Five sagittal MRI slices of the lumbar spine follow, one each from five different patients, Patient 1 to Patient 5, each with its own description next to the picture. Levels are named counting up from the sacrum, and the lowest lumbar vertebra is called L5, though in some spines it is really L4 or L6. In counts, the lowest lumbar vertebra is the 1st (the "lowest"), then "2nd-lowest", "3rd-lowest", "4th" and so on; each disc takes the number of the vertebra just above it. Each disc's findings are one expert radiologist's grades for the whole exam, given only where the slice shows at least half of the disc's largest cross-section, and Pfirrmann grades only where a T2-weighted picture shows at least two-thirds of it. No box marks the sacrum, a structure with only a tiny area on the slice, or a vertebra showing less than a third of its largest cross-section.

Patient 1 of 5:
Sex M | MRI lumbar spine (T2 SPACE (3D)), sagittal plane 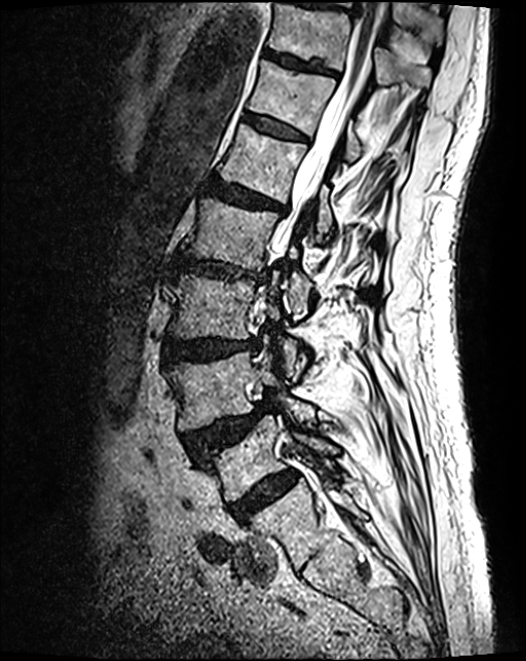 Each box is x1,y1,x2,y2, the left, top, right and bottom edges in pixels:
Intervertebral disc L1/L2 at 205,179,284,214; L1 at 218,125,335,236; intervertebral disc T12/L1 at 244,114,307,141; T11 at 268,3,430,93; L2 vertebra at 182,197,311,311; intervertebral disc T11/T12 at 264,51,337,75; L5 vertebra at 202,417,338,501; L3 at 169,276,304,379; spinal canal at 278,0,381,248; intervertebral disc L2/L3 at 172,253,268,284; L4 at 170,354,317,429; intervertebral disc L5/S1 at 229,472,297,523; intervertebral disc L3/L4 at 165,340,257,365; intervertebral disc L4/L5 at 184,405,268,455; T12 at 248,61,404,163.

Per-level radiological findings:
• L1/L2: Pfirrmann grade 4, disc bulging, upper-endplate change, lower-endplate change
• L5/S1: Pfirrmann grade 4
• T11/T12: Pfirrmann grade 3, lower-endplate change
• L3/L4: Pfirrmann grade 4, disc bulging
• L2/L3: Pfirrmann grade 4, disc narrowing, lower-endplate change, upper-endplate change, disc bulging
• T12/L1: Pfirrmann grade 3
• L4/L5: Pfirrmann grade 4, spondylolisthesis, disc herniation, upper-endplate change

Patient 2 of 5:
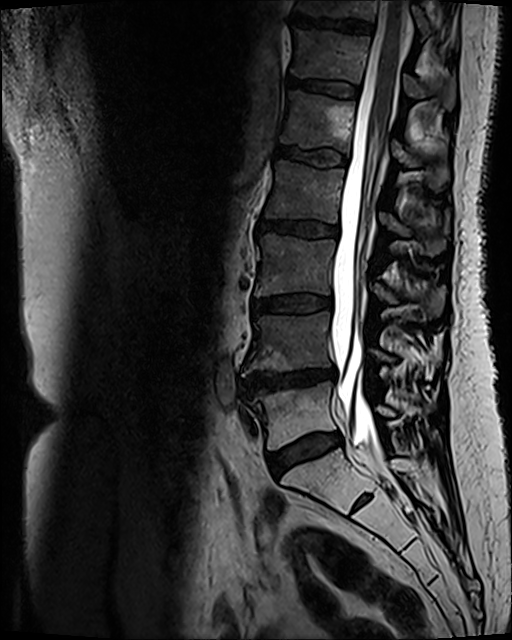 Field of view 240x300 mm; MRI lumbar spine (T2 SPACE (3D)), sagittal plane

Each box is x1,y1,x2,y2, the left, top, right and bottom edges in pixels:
L5/S1 = 269,433,341,476.
L2/L3 = 257,221,337,236.
L1/L2 = 274,146,346,167.
IVD T12/L1 = 288,79,359,97.
T11 = 296,0,431,36.
L3 = 255,235,445,320.
IVD L3/L4 = 253,296,331,313.
IVD L4/L5 = 240,369,335,394.
L4 vertebra = 242,312,390,375.
T12 = 292,29,455,109.
T11/T12 = 292,14,372,32.
L5 vertebra = 248,382,430,449.
L2 vertebra = 266,160,448,254.
Spinal canal = 331,1,408,447.
L1 vertebra = 281,91,448,190.

Degenerative findings by level:
• T12/L1: Pfirrmann grade 3, Modic type II
• L1/L2: Pfirrmann grade 3, Modic type II
• L2/L3: Pfirrmann grade 3, Modic type II, disc bulging
• L5/S1: Pfirrmann grade 3, Modic type II, disc bulging
• L4/L5: Pfirrmann grade 4, disc narrowing, upper-endplate change, disc bulging, lower-endplate change, Modic type II
• L3/L4: Pfirrmann grade 3, disc bulging, Modic type II
• T11/T12: Pfirrmann grade 4, lower-endplate change, upper-endplate change, Modic type II

Patient 3 of 5:
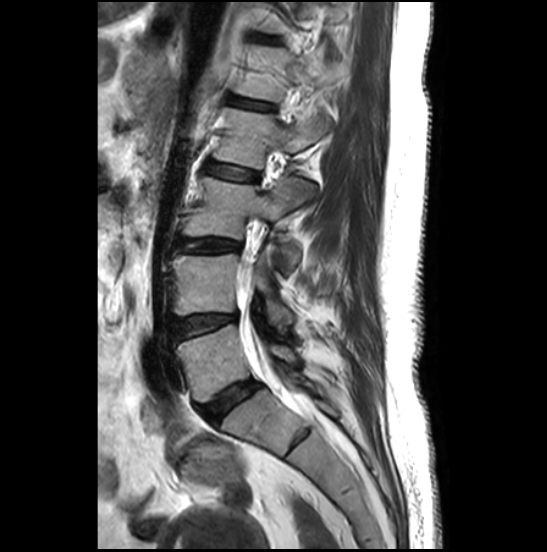 Sagittal slice index 10. T2-weighted sagittal MRI of the lumbar spine. 547x552 px.
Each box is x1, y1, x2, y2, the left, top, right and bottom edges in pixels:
2nd-lowest disc: 172, 314, 235, 338
lowest disc: 199, 380, 259, 422
lowest vertebra: 175, 323, 300, 402
5th vertebra: 238, 48, 336, 100
2nd-lowest vertebra: 171, 246, 292, 332
5th disc: 230, 98, 273, 110
4th disc: 205, 162, 257, 180
4th vertebra: 214, 108, 329, 168
3rd-lowest disc: 181, 239, 238, 251
thecal sac / spinal canal: 238, 263, 313, 409
3rd-lowest vertebra: 183, 177, 317, 274

Per-level radiological findings:
• 2nd-lowest disc: Pfirrmann grade 3, disc bulging
• 3rd-lowest disc: Pfirrmann grade 4, disc bulging
• lowest disc: Pfirrmann grade 4, disc bulging
• 4th disc: Pfirrmann grade 2
• 5th disc: upper-endplate change

Patient 4 of 5:
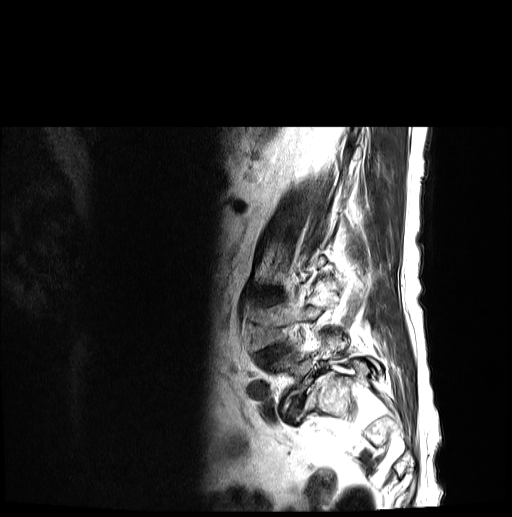

Field of view 300x303 mm, slice spacing 3.3 mm | Slice 21 of 24 | MRI lumbar spine (T2-weighted), sagittal plane | 512x517 px
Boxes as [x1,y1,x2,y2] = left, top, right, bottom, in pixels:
Annotations:
• 2nd-lowest disc — [256,345,291,365]
• lowest vertebra — [271,336,381,408]
• 2nd-lowest vertebra — [252,295,336,352]
• lowest disc — [287,391,308,424]

Patient 5 of 5:
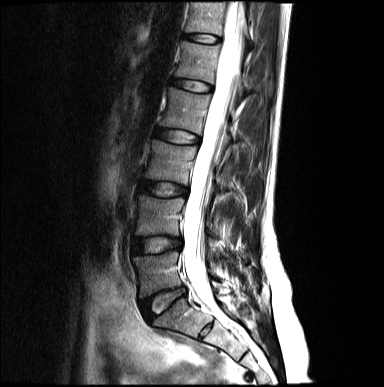 Sagittal slice index 8; 384x387 px; Lumbar spine MR, T2-weighted, sagittal

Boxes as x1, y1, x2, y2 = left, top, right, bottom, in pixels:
T12 at 185, 1, 252, 44; intervertebral disc L5/S1 at 141, 287, 185, 320; L5 vertebra at 134, 252, 216, 297; L4/L5 at 134, 236, 181, 253; L2 at 160, 87, 231, 134; intervertebral disc L3/L4 at 140, 181, 187, 197; intervertebral disc L2/L3 at 154, 127, 199, 144; L3 vertebra at 145, 140, 227, 188; T12/L1 at 183, 34, 220, 43; L1 vertebra at 175, 41, 244, 95; L1/L2 at 171, 79, 211, 91; L4 at 136, 195, 237, 241; thecal sac / spinal canal at 183, 1, 243, 319.

Expert MSK radiologist gradings (per disc):
• T12/L1: Pfirrmann grade 2
• L3/L4: Pfirrmann grade 2, disc bulging
• L2/L3: Pfirrmann grade 2
• L5/S1: Pfirrmann grade 2, disc narrowing, disc bulging
• L1/L2: Pfirrmann grade 2
• L4/L5: Pfirrmann grade 2, disc bulging